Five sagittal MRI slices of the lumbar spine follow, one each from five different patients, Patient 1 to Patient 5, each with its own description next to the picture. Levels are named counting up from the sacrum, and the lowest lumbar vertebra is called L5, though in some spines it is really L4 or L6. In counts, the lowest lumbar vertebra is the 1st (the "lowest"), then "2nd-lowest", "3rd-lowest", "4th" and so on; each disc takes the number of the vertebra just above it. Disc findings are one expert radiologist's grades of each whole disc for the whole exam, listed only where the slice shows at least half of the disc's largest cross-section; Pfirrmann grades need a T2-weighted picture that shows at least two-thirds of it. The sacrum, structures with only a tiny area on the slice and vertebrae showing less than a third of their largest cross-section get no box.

Patient 1 of 5:
Sagittal T2-weighted lumbar spine MRI | Patient sex: M
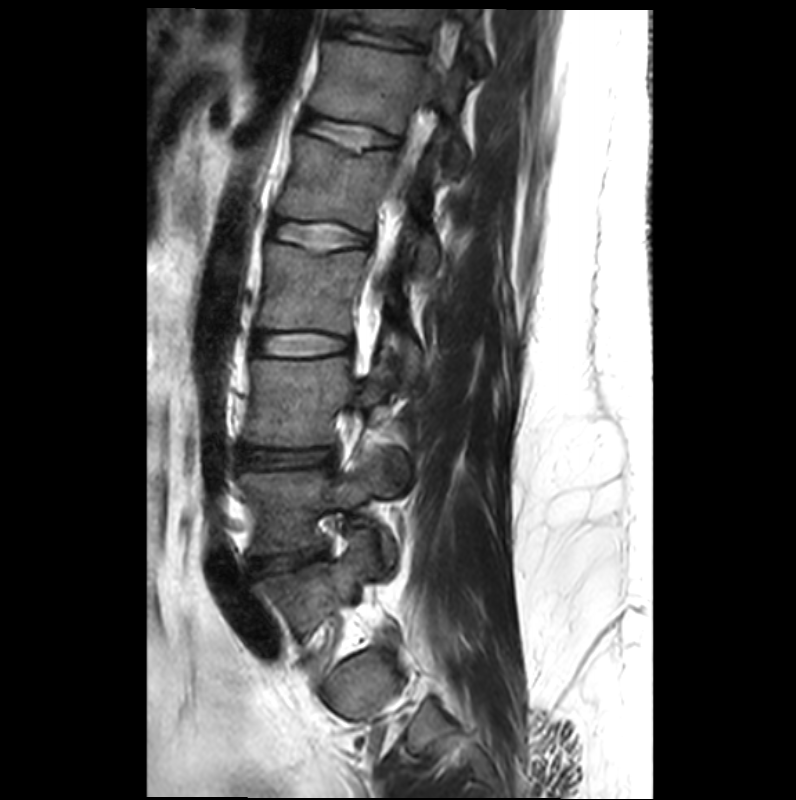 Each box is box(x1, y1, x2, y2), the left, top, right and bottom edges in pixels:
Annotations:
* 4th vertebra = box(257, 243, 420, 350)
* 5th disc = box(270, 219, 368, 253)
* 3rd-lowest vertebra = box(249, 347, 393, 445)
* 6th disc = box(302, 113, 395, 151)
* lowest vertebra = box(257, 530, 377, 639)
* 4th disc = box(253, 332, 351, 355)
* 2nd-lowest disc = box(256, 553, 323, 571)
* 2nd-lowest vertebra = box(239, 447, 410, 574)
* 5th vertebra = box(277, 134, 436, 273)
* 3rd-lowest disc = box(242, 448, 334, 467)
* spinal canal = box(390, 23, 453, 210)
* 7th vertebra = box(335, 10, 485, 72)
* 6th vertebra = box(310, 40, 464, 175)
* 7th disc = box(328, 20, 418, 50)

Expert MSK radiologist gradings (per disc):
  3rd-lowest disc: Pfirrmann grade 2
  7th disc: Pfirrmann grade 2, lower-endplate change
  4th disc: Pfirrmann grade 2
  6th disc: Pfirrmann grade 2, lower-endplate change, upper-endplate change
  5th disc: Pfirrmann grade 2, upper-endplate change, lower-endplate change

Patient 2 of 5:
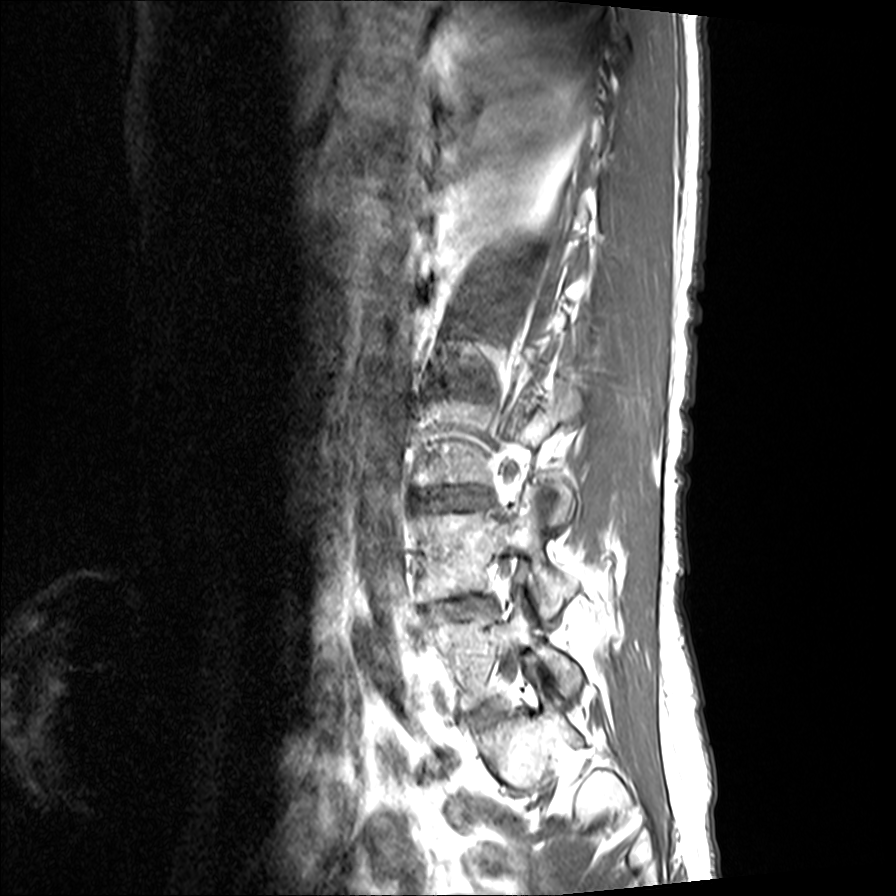 Sagittal T1-weighted lumbar spine MRI. Image 896x896.
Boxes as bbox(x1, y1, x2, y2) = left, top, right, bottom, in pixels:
Annotations:
• L5 (lowest vertebra) at bbox(423, 589, 583, 709)
• L3/L4 (3rd-lowest disc) at bbox(429, 487, 491, 507)
• L4 (2nd-lowest vertebra) at bbox(419, 485, 576, 619)
• intervertebral disc L4/L5 (2nd-lowest disc) at bbox(422, 596, 491, 621)

Degenerative findings by level:
- L3/L4 (3rd-lowest disc): disc narrowing, disc bulging

Patient 3 of 5:
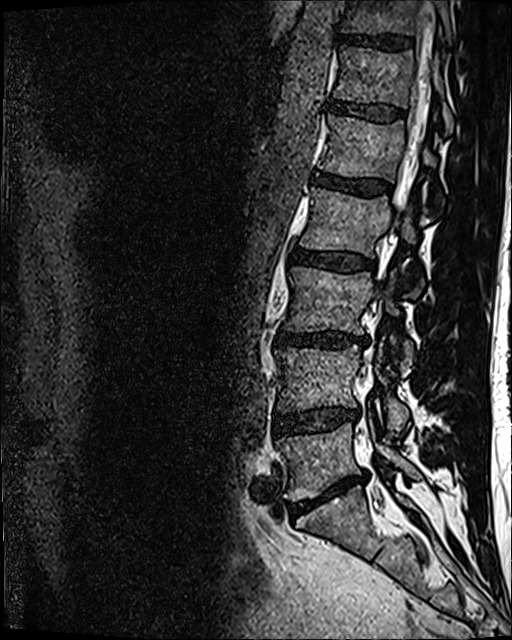
Lumbar spine MR, T2 SPACE (3D), sagittal | Sex M | Field of view 240x300 mm
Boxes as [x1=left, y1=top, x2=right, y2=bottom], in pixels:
7th disc = [x1=337, y1=33, x2=413, y2=51].
5th vertebra = [x1=322, y1=114, x2=440, y2=202].
5th disc = [x1=312, y1=172, x2=391, y2=196].
3rd-lowest disc = [x1=275, y1=332, x2=366, y2=348].
6th vertebra = [x1=334, y1=46, x2=453, y2=131].
4th disc = [x1=293, y1=249, x2=374, y2=271].
3rd-lowest vertebra = [x1=285, y1=266, x2=413, y2=373].
Lowest disc = [x1=288, y1=475, x2=362, y2=514].
Lowest vertebra = [x1=276, y1=419, x2=420, y2=500].
4th vertebra = [x1=301, y1=188, x2=422, y2=295].
2nd-lowest vertebra = [x1=275, y1=343, x2=408, y2=434].
2nd-lowest disc = [x1=274, y1=407, x2=359, y2=432].
6th disc = [x1=329, y1=102, x2=405, y2=120].
7th vertebra = [x1=340, y1=0, x2=453, y2=44].
Spinal canal = [x1=395, y1=5, x2=431, y2=211].

Expert MSK radiologist gradings (per disc):
  5th disc: Pfirrmann grade 4
  6th disc: Pfirrmann grade 3
  3rd-lowest disc: Pfirrmann grade 4, disc bulging, lower-endplate change, disc narrowing
  lowest disc: Modic type II, disc bulging, disc narrowing
  7th disc: Pfirrmann grade 4
  4th disc: Pfirrmann grade 3, disc bulging
  2nd-lowest disc: Pfirrmann grade 3, disc narrowing, disc bulging

Patient 4 of 5:
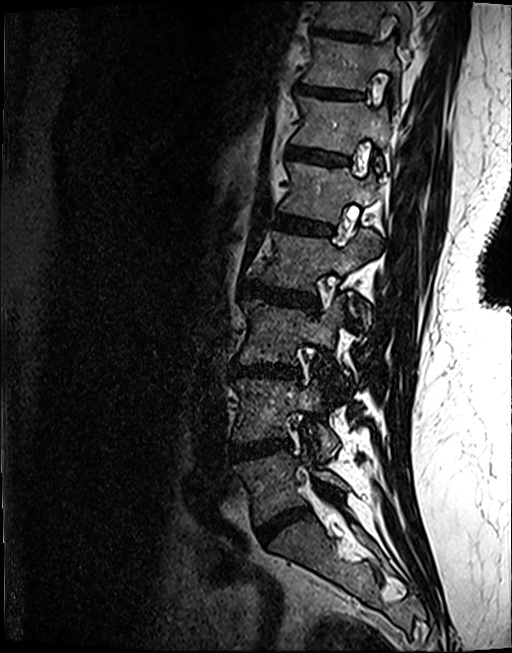 Slice 47/122, Sagittal T2 SPACE (3D) lumbar spine MRI, Sex F
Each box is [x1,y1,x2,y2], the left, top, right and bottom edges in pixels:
L5/S1 (lowest disc) at [257,506,308,542].
L3/L4 (3rd-lowest disc) at [232,363,299,377].
T10 (8th vertebra) at [313,0,411,32].
Disc T11/T12 (7th disc) at [296,84,362,97].
T11 (7th vertebra) at [303,36,401,95].
L4 (2nd-lowest vertebra) at [232,378,338,456].
T12/L1 (6th disc) at [286,146,348,163].
L2 (4th vertebra) at [251,229,377,318].
L2/L3 (4th disc) at [241,281,317,309].
T12 (6th vertebra) at [291,96,389,165].
L3 (3rd-lowest vertebra) at [237,296,348,393].
L4/L5 (2nd-lowest disc) at [230,438,289,459].
Disc L1/L2 (5th disc) at [274,214,333,234].
L5 (lowest vertebra) at [232,449,347,524].
T10/T11 (8th disc) at [310,25,369,40].
L1 (5th vertebra) at [278,162,376,221].

Expert MSK radiologist gradings (per disc):
  L1/L2 (5th disc): Pfirrmann grade 4, lower-endplate change, upper-endplate change, Modic type II
  T11/T12 (7th disc): Pfirrmann grade 4, upper-endplate change
  L4/L5 (2nd-lowest disc): Modic type II, disc bulging, lower-endplate change
  T12/L1 (6th disc): Pfirrmann grade 3, upper-endplate change, lower-endplate change
  T10/T11 (8th disc): Pfirrmann grade 4, upper-endplate change, lower-endplate change
  L3/L4 (3rd-lowest disc): Pfirrmann grade 4, disc narrowing, disc bulging, lower-endplate change, Modic type II, upper-endplate change
  L5/S1 (lowest disc): disc narrowing, disc bulging
  L2/L3 (4th disc): Pfirrmann grade 4, upper-endplate change, lower-endplate change, disc bulging

Patient 5 of 5:
Image 448x451. Philips Healthcare Ingenia (3T). T2-weighted sagittal MRI of the lumbar spine.

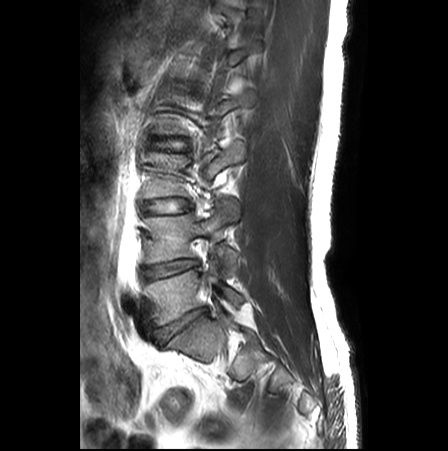 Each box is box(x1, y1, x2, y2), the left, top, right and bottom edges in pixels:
{"L5": "box(146, 256, 243, 325)", "intervertebral disc L4/L5": "box(143, 260, 198, 280)", "L4 vertebra": "box(145, 199, 238, 274)", "L3": "box(144, 142, 245, 198)", "L3/L4": "box(147, 199, 188, 213)", "intervertebral disc L2/L3": "box(153, 137, 186, 149)", "L5/S1": "box(157, 309, 206, 341)"}

Per-level radiological findings:
  L4/L5: disc bulging, disc narrowing